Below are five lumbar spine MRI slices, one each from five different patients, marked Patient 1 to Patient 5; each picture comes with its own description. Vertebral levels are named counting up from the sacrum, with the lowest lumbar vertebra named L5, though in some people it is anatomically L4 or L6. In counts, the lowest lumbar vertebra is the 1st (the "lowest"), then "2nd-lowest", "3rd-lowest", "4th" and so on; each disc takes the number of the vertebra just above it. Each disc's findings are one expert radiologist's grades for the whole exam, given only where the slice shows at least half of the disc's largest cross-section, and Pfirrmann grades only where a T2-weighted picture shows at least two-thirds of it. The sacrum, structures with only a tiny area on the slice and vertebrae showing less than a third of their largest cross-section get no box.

Patient 1 of 5:
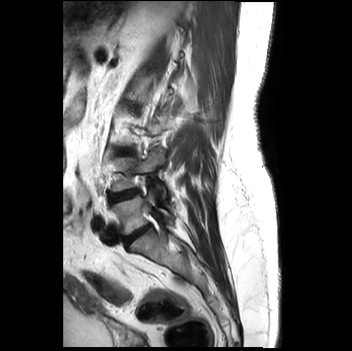 Sagittal slice index 23. MRI lumbar spine (T2-weighted), sagittal plane.
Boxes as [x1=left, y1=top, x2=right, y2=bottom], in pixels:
lowest vertebra = [x1=112, y1=189, x2=173, y2=235] | lowest disc = [x1=124, y1=224, x2=151, y2=245] | 2nd-lowest disc = [x1=109, y1=188, x2=139, y2=203] | 3rd-lowest disc = [x1=117, y1=148, x2=131, y2=155] | 2nd-lowest vertebra = [x1=111, y1=148, x2=166, y2=200]

Degenerative findings by level:
• lowest disc: Modic type II, lower-endplate change, upper-endplate change, disc narrowing
• 2nd-lowest disc: no Modic or endplate change, herniation, narrowing, bulging or spondylolisthesis recorded

Patient 2 of 5:
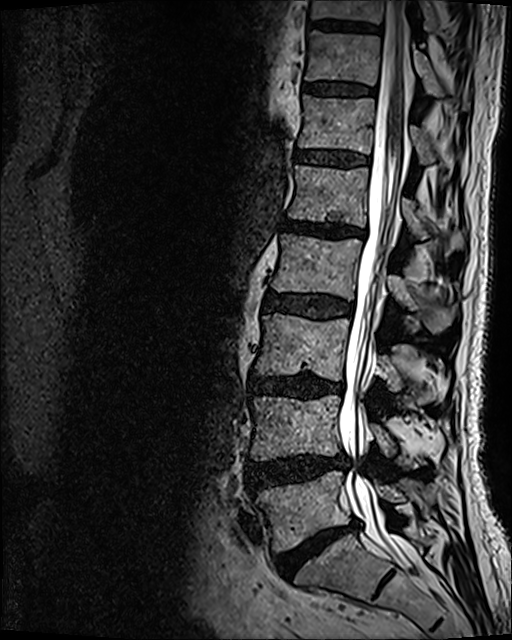 Image 512x640; Slice 59/120; Lumbar spine MR, T2 SPACE (3D), sagittal
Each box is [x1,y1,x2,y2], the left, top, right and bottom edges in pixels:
L2/L3: [262,291,352,319].
Disc L4/L5: [246,454,348,490].
T11 vertebra: [305,31,468,109].
L5: [255,471,405,551].
L1/L2: [282,219,365,236].
L4: [251,395,423,467].
T12/L1: [296,151,368,166].
Thecal sac / spinal canal: [338,1,408,543].
T10 vertebra: [312,0,437,30].
L2 vertebra: [270,233,456,332].
L3/L4: [250,375,344,398].
T12: [299,95,435,164].
L3: [256,313,432,402].
Disc L5/S1: [274,521,359,578].
Disc T11/T12: [304,84,374,94].
Disc T10/T11: [309,19,380,33].
L1: [288,164,463,253].

Expert MSK radiologist gradings (per disc):
- L1/L2: Pfirrmann grade 4, lower-endplate change, disc bulging, Modic type II, upper-endplate change, disc narrowing
- L3/L4: Pfirrmann grade 4, disc narrowing, Modic type II, disc bulging, lower-endplate change
- L5/S1: Pfirrmann grade 5, Modic type II, disc narrowing, lower-endplate change, disc bulging
- T12/L1: Pfirrmann grade 3
- L4/L5: Pfirrmann grade 4, disc herniation, disc bulging
- L2/L3: Pfirrmann grade 3, disc bulging
- T11/T12: Pfirrmann grade 3

Patient 3 of 5:
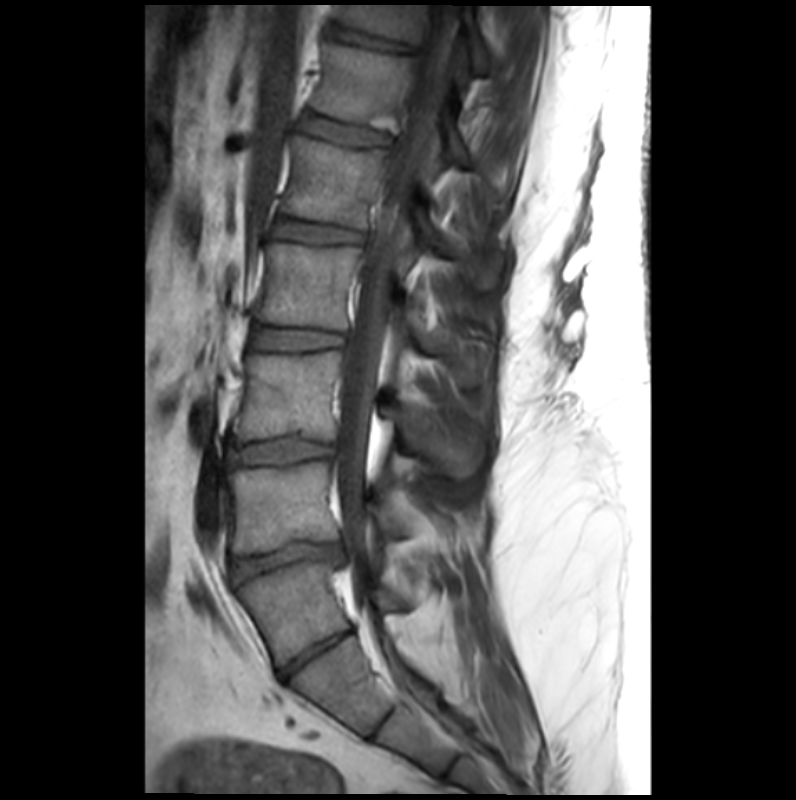
Slice 17/33 | T1-weighted sagittal MRI of the lumbar spine

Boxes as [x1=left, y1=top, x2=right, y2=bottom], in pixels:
Intervertebral disc L3/L4 — [x1=227, y1=438, x2=333, y2=464].
Intervertebral disc L4/L5 — [x1=232, y1=544, x2=339, y2=580].
L2 — [x1=256, y1=242, x2=486, y2=381].
T11/T12 — [x1=328, y1=25, x2=410, y2=51].
T12 vertebra — [x1=311, y1=42, x2=467, y2=162].
L3 vertebra — [x1=232, y1=350, x2=488, y2=477].
T11 — [x1=335, y1=5, x2=490, y2=73].
Spinal canal — [x1=336, y1=10, x2=458, y2=608].
L5/S1 — [x1=278, y1=632, x2=352, y2=678].
L2/L3 — [x1=250, y1=328, x2=344, y2=352].
L4 vertebra — [x1=227, y1=461, x2=447, y2=553].
Intervertebral disc T12/L1 — [x1=302, y1=114, x2=388, y2=147].
L5 — [x1=238, y1=559, x2=409, y2=666].
L1/L2 — [x1=273, y1=219, x2=362, y2=243].
L1 — [x1=281, y1=136, x2=493, y2=287].

Radiological gradings:
  T11/T12: lower-endplate change
  L1/L2: lower-endplate change, upper-endplate change
  L4/L5: spondylolisthesis, disc narrowing, upper-endplate change, Modic type III, disc herniation, lower-endplate change
  T12/L1: lower-endplate change, upper-endplate change
  L5/S1: disc narrowing
  L3/L4, L2/L3: no Modic or endplate change, herniation, narrowing, bulging or spondylolisthesis recorded

Patient 4 of 5:
Lumbar spine MR, T2-weighted, sagittal.

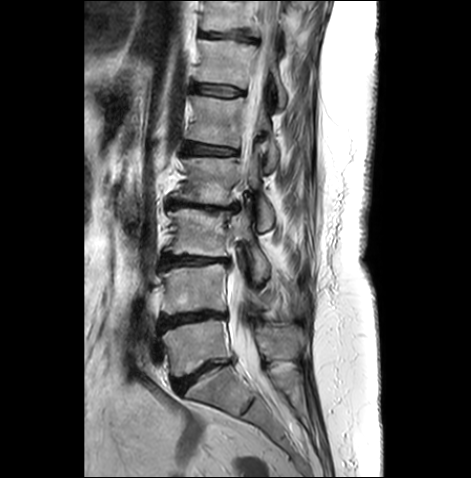

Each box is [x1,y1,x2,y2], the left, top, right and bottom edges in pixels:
{"intervertebral disc L5/S1 (lowest disc)": "[173,362,227,392]", "L5 (lowest vertebra)": "[162,318,304,376]", "T11 (7th vertebra)": "[202,1,293,45]", "T11/T12 (7th disc)": "[201,32,256,41]", "T12/L1 (6th disc)": "[194,84,242,96]", "L1/L2 (5th disc)": "[184,142,236,154]", "T12 (6th vertebra)": "[196,40,286,107]", "L4 (2nd-lowest vertebra)": "[161,262,278,316]", "L2 (4th vertebra)": "[172,147,274,232]", "L3 (3rd-lowest vertebra)": "[166,208,269,281]", "spinal canal": "[227,0,279,387]", "intervertebral disc L3/L4 (3rd-lowest disc)": "[162,255,230,268]", "L4/L5 (2nd-lowest disc)": "[159,310,225,329]", "L1 (5th vertebra)": "[187,96,278,172]", "intervertebral disc L2/L3 (4th disc)": "[168,200,239,211]"}

Radiological gradings:
• L2/L3 (4th disc): disc narrowing, disc bulging, lower-endplate change, upper-endplate change, Modic type II
• T11/T12 (7th disc): Pfirrmann grade 3, lower-endplate change, disc bulging, upper-endplate change
• T12/L1 (6th disc): Pfirrmann grade 3, lower-endplate change, disc bulging, upper-endplate change
• L3/L4 (3rd-lowest disc): Pfirrmann grade 4, disc bulging, Modic type II, disc narrowing
• L1/L2 (5th disc): Pfirrmann grade 3, upper-endplate change, disc bulging, Modic type II, lower-endplate change
• L5/S1 (lowest disc): Pfirrmann grade 4, disc narrowing, Modic type II, disc bulging
• L4/L5 (2nd-lowest disc): Pfirrmann grade 4, upper-endplate change, Modic type II, disc bulging, disc narrowing, lower-endplate change

Patient 5 of 5:
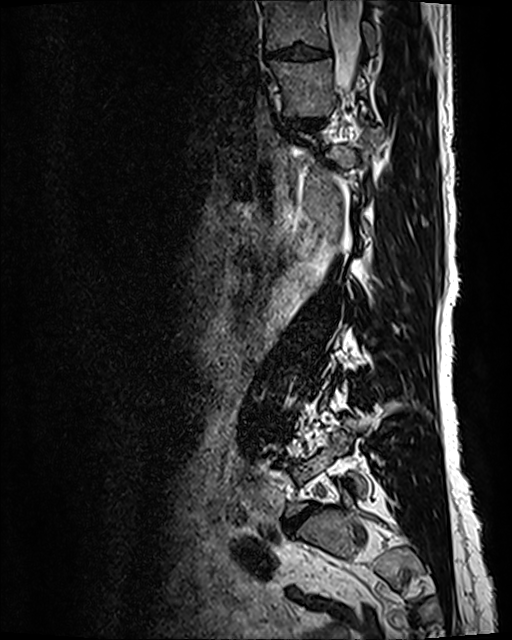

Lumbar spine MR, T2 SPACE (3D), sagittal
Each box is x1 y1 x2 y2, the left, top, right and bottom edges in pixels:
Thecal sac / spinal canal at 328 1 361 89, 8th disc at 265 46 330 60, lowest disc at 289 506 313 528, 8th vertebra at 263 1 375 54, 7th disc at 285 118 325 129, 7th vertebra at 270 60 366 116.

Expert MSK radiologist gradings (per disc):
  8th disc: Pfirrmann grade 3, disc bulging, disc narrowing